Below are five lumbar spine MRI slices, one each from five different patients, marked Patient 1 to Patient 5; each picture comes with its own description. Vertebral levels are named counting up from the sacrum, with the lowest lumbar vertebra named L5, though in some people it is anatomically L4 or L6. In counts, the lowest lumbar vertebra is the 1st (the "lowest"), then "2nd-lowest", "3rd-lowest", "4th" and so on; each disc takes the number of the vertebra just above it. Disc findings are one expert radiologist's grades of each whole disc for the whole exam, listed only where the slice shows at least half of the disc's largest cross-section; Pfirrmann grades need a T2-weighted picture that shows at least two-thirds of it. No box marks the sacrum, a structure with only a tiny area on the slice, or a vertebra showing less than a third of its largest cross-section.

Patient 1 of 5:
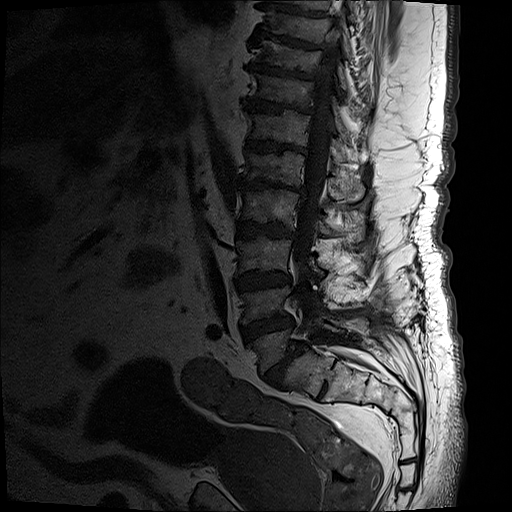
T1-weighted sagittal MRI of the lumbar spine | Sagittal slice index 11
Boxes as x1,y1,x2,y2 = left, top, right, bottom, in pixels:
{"2nd-lowest vertebra": "241,273,322,323", "7th disc": "244,97,314,114", "5th disc": "236,179,304,197", "3rd-lowest disc": "235,271,290,290", "8th disc": "249,60,319,82", "6th vertebra": "247,110,341,161", "8th vertebra": "256,38,346,92", "spinal canal": "293,24,338,265", "lowest vertebra": "248,312,343,371", "9th disc": "251,35,326,51", "4th disc": "236,222,294,237", "7th vertebra": "251,71,341,129", "4th vertebra": "240,187,329,236", "lowest disc": "263,342,302,385", "3rd-lowest vertebra": "235,237,323,280", "2nd-lowest disc": "239,315,295,341", "5th vertebra": "244,150,363,199", "6th disc": "246,138,306,153"}

Per-level radiological findings:
• 9th disc: lower-endplate change, disc bulging, upper-endplate change, Modic type II, disc narrowing
• lowest disc: Modic type II, disc narrowing, lower-endplate change, disc bulging, upper-endplate change, spondylolisthesis
• 3rd-lowest disc: upper-endplate change, Modic type II, disc narrowing, lower-endplate change, disc bulging
• 6th disc: upper-endplate change, lower-endplate change, disc narrowing, disc bulging, Modic type II
• 8th disc: disc bulging, disc narrowing, upper-endplate change, lower-endplate change, Modic type II
• 5th disc: disc bulging, upper-endplate change, Modic type II, lower-endplate change, disc narrowing
• 2nd-lowest disc: disc bulging, Modic type II, lower-endplate change, upper-endplate change, disc narrowing
• 7th disc: lower-endplate change, Modic type II, disc bulging, upper-endplate change, disc narrowing
• 4th disc: upper-endplate change, lower-endplate change, disc narrowing, disc bulging, Modic type II

Patient 2 of 5:
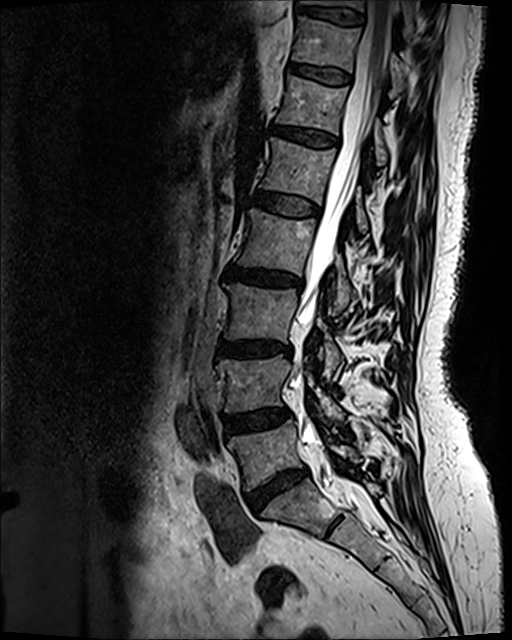

Image 512x640; Patient sex: F; Sagittal slice index 69; T2 SPACE (3D) sagittal MRI of the lumbar spine; Field of view 240x300 mm, slice spacing 0.9 mm

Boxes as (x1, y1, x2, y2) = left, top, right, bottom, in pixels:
lowest disc: (248, 470, 305, 511)
7th vertebra: (292, 16, 405, 90)
2nd-lowest disc: (225, 408, 287, 432)
3rd-lowest vertebra: (224, 284, 342, 377)
6th disc: (271, 125, 338, 146)
5th disc: (251, 191, 319, 215)
thecal sac / spinal canal: (290, 1, 395, 513)
2nd-lowest vertebra: (217, 354, 344, 421)
6th vertebra: (276, 75, 388, 164)
lowest vertebra: (228, 420, 359, 491)
3rd-lowest disc: (217, 340, 290, 354)
8th vertebra: (303, 0, 414, 37)
8th disc: (293, 6, 364, 23)
4th disc: (224, 266, 301, 287)
7th disc: (288, 63, 350, 83)
4th vertebra: (235, 208, 353, 312)
5th vertebra: (260, 137, 367, 232)

Per-level radiological findings:
- 8th disc: Pfirrmann grade 2
- 7th disc: Pfirrmann grade 2
- lowest disc: Pfirrmann grade 4, disc bulging, disc narrowing
- 2nd-lowest disc: Pfirrmann grade 3, disc bulging
- 5th disc: Pfirrmann grade 2
- 3rd-lowest disc: Pfirrmann grade 4, disc bulging, disc narrowing, upper-endplate change, lower-endplate change, Modic type II
- 6th disc: Pfirrmann grade 3, disc bulging
- 4th disc: Pfirrmann grade 4, lower-endplate change, disc bulging, Modic type II, disc narrowing, upper-endplate change

Patient 3 of 5:
MRI lumbar spine (T2-weighted), sagittal plane 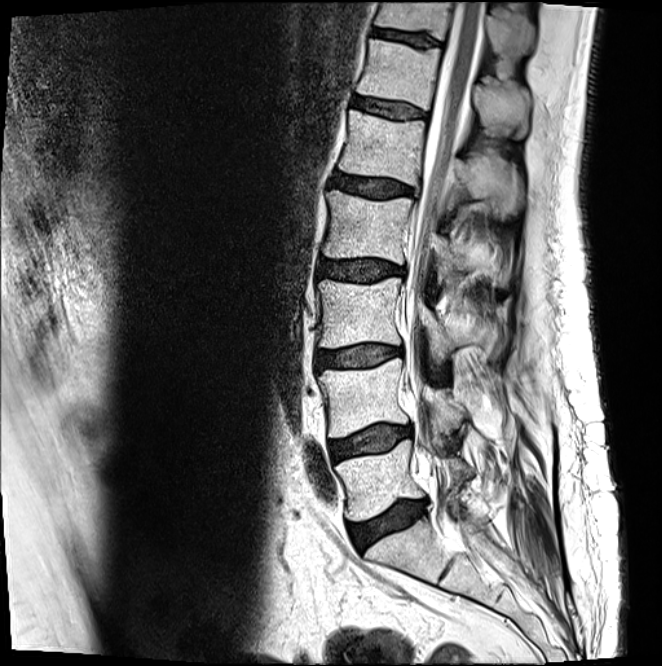 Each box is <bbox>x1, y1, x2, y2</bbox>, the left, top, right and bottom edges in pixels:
T11 vertebra: <bbox>375, 2, 534, 55</bbox>
L3 vertebra: <bbox>317, 277, 493, 363</bbox>
spinal canal: <bbox>405, 2, 484, 486</bbox>
L5: <bbox>335, 440, 475, 521</bbox>
IVD L3/L4: <bbox>316, 344, 403, 369</bbox>
L1 vertebra: <bbox>339, 110, 524, 218</bbox>
L4: <bbox>318, 357, 468, 437</bbox>
T12 vertebra: <bbox>357, 39, 532, 137</bbox>
IVD L2/L3: <bbox>318, 259, 405, 281</bbox>
IVD L1/L2: <bbox>332, 173, 414, 198</bbox>
L2 vertebra: <bbox>323, 191, 510, 288</bbox>
L4/L5: <bbox>329, 425, 412, 461</bbox>
T11/T12: <bbox>372, 28, 440, 47</bbox>
IVD L5/S1: <bbox>348, 500, 427, 550</bbox>
IVD T12/L1: <bbox>353, 96, 426, 118</bbox>

Per-level radiological findings:
  T11/T12: Pfirrmann grade 3
  L4/L5: Pfirrmann grade 2, Modic type II, disc bulging
  L1/L2: Pfirrmann grade 3, disc bulging
  L3/L4: Pfirrmann grade 2, disc bulging, Modic type II
  L2/L3: Pfirrmann grade 3, disc bulging
  T12/L1: Pfirrmann grade 2
  L5/S1: Pfirrmann grade 3, disc narrowing, Modic type II, disc bulging

Patient 4 of 5:
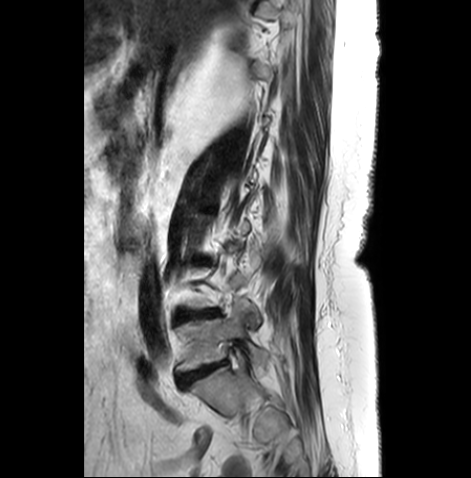 Lumbar spine MR, T2-weighted, sagittal | Field of view 281x281 mm | 471x478 px
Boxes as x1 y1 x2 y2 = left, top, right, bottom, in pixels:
lowest vertebra: 177 302 267 371 | 2nd-lowest disc: 179 310 219 320 | lowest disc: 179 362 226 387

Expert MSK radiologist gradings (per disc):
• lowest disc: disc narrowing, Modic type II, disc bulging

Patient 5 of 5:
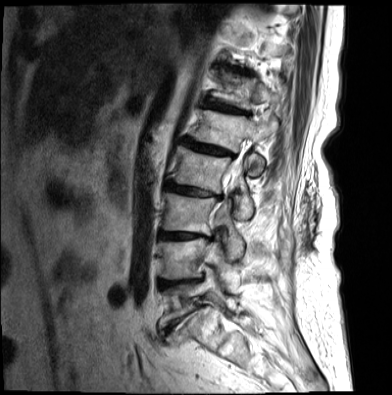
392x395 px, MRI lumbar spine (T2-weighted), sagittal plane
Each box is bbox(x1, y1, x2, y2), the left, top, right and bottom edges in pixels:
6th disc at bbox(203, 101, 246, 114); 6th vertebra at bbox(208, 72, 280, 109); thecal sac / spinal canal at bbox(214, 160, 242, 231); 2nd-lowest vertebra at bbox(156, 237, 235, 284); 5th vertebra at bbox(188, 110, 277, 176); lowest disc at bbox(162, 313, 195, 336); 2nd-lowest disc at bbox(156, 279, 200, 289); 3rd-lowest disc at bbox(157, 231, 208, 240); 4th vertebra at bbox(167, 146, 255, 218); lowest vertebra at bbox(158, 274, 222, 329); 5th disc at bbox(180, 137, 233, 157); 4th disc at bbox(163, 181, 219, 198); 3rd-lowest vertebra at bbox(159, 193, 244, 256).

Radiological gradings:
  4th disc: Pfirrmann grade 3, Modic type II, lower-endplate change, upper-endplate change, disc narrowing, disc bulging, disc herniation
  3rd-lowest disc: Pfirrmann grade 5, disc bulging, upper-endplate change, lower-endplate change, disc narrowing, Modic type II
  6th disc: Pfirrmann grade 4, disc bulging, upper-endplate change, lower-endplate change, disc narrowing, Modic type II
  5th disc: Pfirrmann grade 4, lower-endplate change, upper-endplate change, disc bulging, Modic type II, disc narrowing